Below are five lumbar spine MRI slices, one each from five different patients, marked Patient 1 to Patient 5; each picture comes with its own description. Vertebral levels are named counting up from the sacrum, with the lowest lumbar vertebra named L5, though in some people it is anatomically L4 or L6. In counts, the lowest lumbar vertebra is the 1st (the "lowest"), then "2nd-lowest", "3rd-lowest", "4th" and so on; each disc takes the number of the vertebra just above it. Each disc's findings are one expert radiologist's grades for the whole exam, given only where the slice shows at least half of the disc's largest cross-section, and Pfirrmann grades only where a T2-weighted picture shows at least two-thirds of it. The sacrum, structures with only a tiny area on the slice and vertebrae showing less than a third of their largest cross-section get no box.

Patient 1 of 5:
Patient sex: M; T2-weighted sagittal MRI of the lumbar spine; Sagittal slice index 2 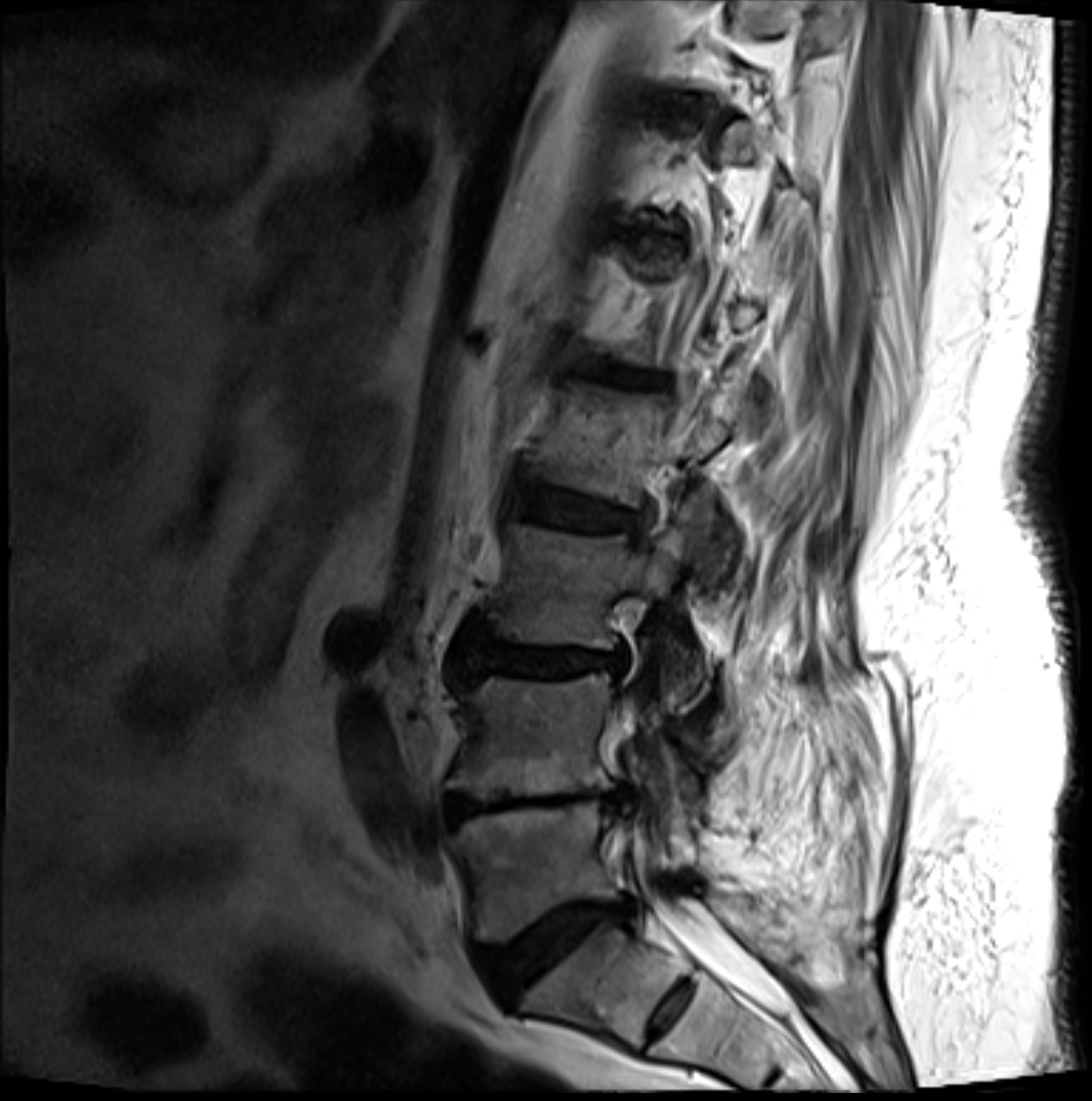 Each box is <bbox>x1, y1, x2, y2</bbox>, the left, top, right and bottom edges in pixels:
2nd-lowest disc = <bbox>444, 795, 622, 827</bbox>.
Thecal sac / spinal canal = <bbox>623, 696, 776, 1007</bbox>.
Lowest disc = <bbox>481, 901, 634, 1005</bbox>.
4th disc = <bbox>534, 503, 628, 532</bbox>.
3rd-lowest disc = <bbox>464, 644, 620, 681</bbox>.
Lowest vertebra = <bbox>449, 804, 753, 945</bbox>.
2nd-lowest vertebra = <bbox>447, 677, 696, 803</bbox>.
3rd-lowest vertebra = <bbox>472, 516, 705, 703</bbox>.

Radiological gradings:
  lowest disc: Pfirrmann grade 4, disc bulging, disc narrowing, upper-endplate change, lower-endplate change, Modic type II
  4th disc: disc bulging, Modic type II, lower-endplate change, upper-endplate change
  2nd-lowest disc: Pfirrmann grade 5, disc bulging, lower-endplate change, Modic type II, disc narrowing, upper-endplate change
  3rd-lowest disc: Pfirrmann grade 3, disc bulging, disc narrowing, Modic type II, upper-endplate change, lower-endplate change

Patient 2 of 5:
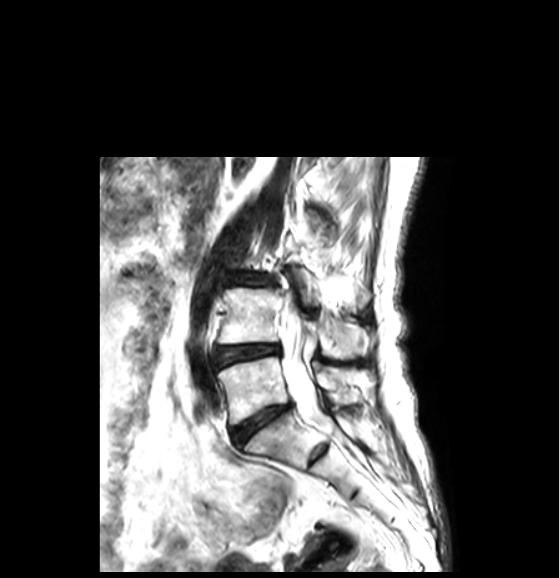 Image 559x578 | Sagittal T2-weighted lumbar spine MRI | Slice 20/50 | Field of view 280x289 mm, slice spacing 3.3 mm | Sex F
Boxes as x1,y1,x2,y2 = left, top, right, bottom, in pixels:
• L4/L5: 216,344,279,366
• L5: 218,356,372,424
• disc L5/S1: 232,404,290,443
• L4: 218,288,369,358
• thecal sac / spinal canal: 281,311,331,432

Per-level radiological findings:
  L5/S1: Pfirrmann grade 3, disc narrowing, disc bulging
  L4/L5: Pfirrmann grade 3, disc bulging

Patient 3 of 5:
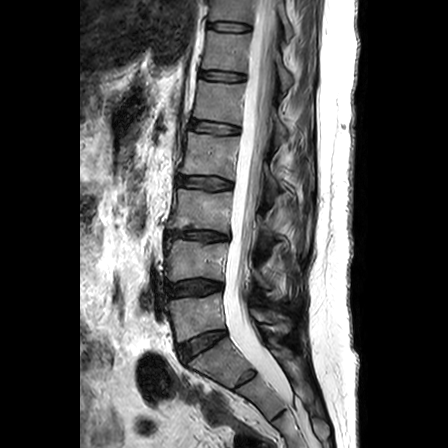 Slice spacing 3.3 mm, Sagittal slice index 11, T2-weighted sagittal MRI of the lumbar spine
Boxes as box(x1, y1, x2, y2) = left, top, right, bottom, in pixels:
2nd-lowest disc = box(166, 280, 222, 296) | lowest vertebra = box(165, 293, 289, 342) | 7th vertebra = box(210, 0, 292, 38) | 6th vertebra = box(202, 31, 292, 90) | 3rd-lowest disc = box(167, 231, 227, 240) | spinal canal = box(223, 0, 282, 384) | 5th vertebra = box(194, 80, 286, 141) | 3rd-lowest vertebra = box(168, 188, 273, 254) | lowest disc = box(178, 331, 225, 361) | 5th disc = box(190, 120, 239, 133) | 4th disc = box(177, 175, 231, 189) | 2nd-lowest vertebra = box(165, 240, 281, 298) | 6th disc = box(200, 71, 244, 81) | 7th disc = box(209, 22, 249, 31) | 4th vertebra = box(181, 132, 279, 204)

Expert MSK radiologist gradings (per disc):
• 7th disc: Pfirrmann grade 1
• 3rd-lowest disc: Pfirrmann grade 3, upper-endplate change, disc herniation, Modic type II, lower-endplate change, disc narrowing
• 5th disc: Pfirrmann grade 2
• 4th disc: Pfirrmann grade 1
• lowest disc: Pfirrmann grade 3
• 2nd-lowest disc: Pfirrmann grade 3, disc bulging
• 6th disc: Pfirrmann grade 2

Patient 4 of 5:
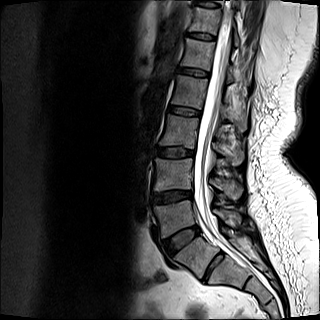

Sagittal slice index 7 | 320x320 px | MRI lumbar spine (T2-weighted), sagittal plane

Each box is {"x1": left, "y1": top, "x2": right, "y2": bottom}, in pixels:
disc L1/L2: {"x1": 177, "y1": 68, "x2": 209, "y2": 77} | L4: {"x1": 153, "y1": 158, "x2": 243, "y2": 200} | L2 vertebra: {"x1": 172, "y1": 75, "x2": 247, "y2": 131} | L4/L5: {"x1": 153, "y1": 191, "x2": 192, "y2": 203} | L3: {"x1": 159, "y1": 114, "x2": 243, "y2": 165} | disc L5/S1: {"x1": 162, "y1": 226, "x2": 200, "y2": 255} | T12 vertebra: {"x1": 189, "y1": 7, "x2": 239, "y2": 46} | thecal sac / spinal canal: {"x1": 194, "y1": 1, "x2": 232, "y2": 247} | disc L2/L3: {"x1": 169, "y1": 106, "x2": 200, "y2": 116} | L1: {"x1": 181, "y1": 38, "x2": 249, "y2": 83} | L3/L4: {"x1": 157, "y1": 147, "x2": 194, "y2": 157} | L5: {"x1": 153, "y1": 200, "x2": 241, "y2": 237} | disc T12/L1: {"x1": 187, "y1": 33, "x2": 215, "y2": 40}

Expert MSK radiologist gradings (per disc):
  L1/L2: Pfirrmann grade 2
  L5/S1: Pfirrmann grade 2
  L4/L5: Pfirrmann grade 3, disc narrowing, Modic type II, disc bulging
  T12/L1: Pfirrmann grade 2
  L3/L4: Pfirrmann grade 2, lower-endplate change
  L2/L3: Pfirrmann grade 2

Patient 5 of 5:
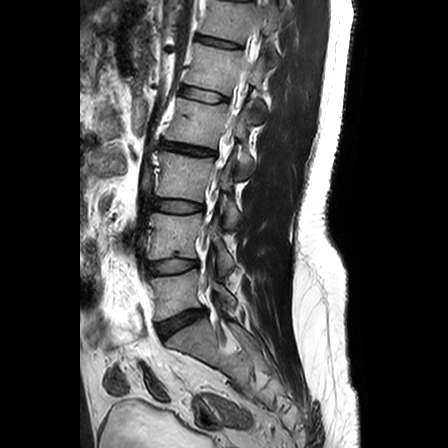 Field of view 280x280 mm, slice spacing 3.3 mm | Slice 9 of 24 | T2-weighted sagittal MRI of the lumbar spine
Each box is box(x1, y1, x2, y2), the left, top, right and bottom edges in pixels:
6th vertebra: box(201, 0, 279, 42).
5th vertebra: box(185, 43, 265, 94).
Lowest vertebra: box(151, 269, 235, 320).
4th disc: box(162, 142, 214, 155).
6th disc: box(198, 35, 237, 47).
5th disc: box(181, 87, 225, 101).
Spinal canal: box(227, 50, 255, 135).
2nd-lowest vertebra: box(148, 213, 233, 273).
2nd-lowest disc: box(149, 260, 197, 273).
Lowest disc: box(158, 310, 203, 336).
3rd-lowest disc: box(155, 199, 202, 212).
3rd-lowest vertebra: box(157, 152, 238, 226).
4th vertebra: box(166, 98, 252, 173).

Expert MSK radiologist gradings (per disc):
• 5th disc: Pfirrmann grade 1
• 3rd-lowest disc: Pfirrmann grade 2, upper-endplate change
• 2nd-lowest disc: Pfirrmann grade 2, lower-endplate change
• 6th disc: Pfirrmann grade 2, upper-endplate change, lower-endplate change
• lowest disc: Pfirrmann grade 3, disc herniation
• 4th disc: Pfirrmann grade 4, upper-endplate change, disc narrowing, disc bulging, lower-endplate change